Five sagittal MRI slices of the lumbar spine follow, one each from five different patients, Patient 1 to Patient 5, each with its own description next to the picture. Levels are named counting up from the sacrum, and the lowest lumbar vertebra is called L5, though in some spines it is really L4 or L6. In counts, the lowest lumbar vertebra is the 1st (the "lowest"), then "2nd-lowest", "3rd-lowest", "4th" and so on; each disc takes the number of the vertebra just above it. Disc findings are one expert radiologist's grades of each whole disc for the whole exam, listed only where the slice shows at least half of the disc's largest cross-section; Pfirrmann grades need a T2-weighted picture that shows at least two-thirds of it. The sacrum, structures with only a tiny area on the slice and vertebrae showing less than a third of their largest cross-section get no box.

Patient 1 of 5:
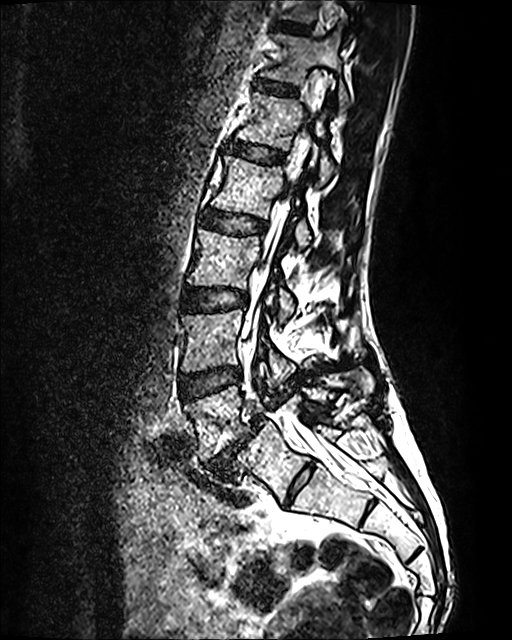 T2 SPACE (3D) sagittal MRI of the lumbar spine; Slice 72/120
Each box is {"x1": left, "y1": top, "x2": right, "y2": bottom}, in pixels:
* L4: {"x1": 181, "y1": 309, "x2": 294, "y2": 385}
* T12 vertebra: {"x1": 263, "y1": 32, "x2": 349, "y2": 111}
* L3 vertebra: {"x1": 189, "y1": 230, "x2": 294, "y2": 324}
* IVD L4/L5: {"x1": 180, "y1": 367, "x2": 240, "y2": 399}
* IVD L3/L4: {"x1": 183, "y1": 288, "x2": 246, "y2": 311}
* IVD L5/S1: {"x1": 204, "y1": 416, "x2": 264, "y2": 473}
* L2: {"x1": 212, "y1": 156, "x2": 311, "y2": 252}
* L1/L2: {"x1": 230, "y1": 143, "x2": 282, "y2": 163}
* IVD T12/L1: {"x1": 257, "y1": 80, "x2": 295, "y2": 94}
* L5: {"x1": 185, "y1": 369, "x2": 372, "y2": 460}
* IVD L2/L3: {"x1": 202, "y1": 209, "x2": 264, "y2": 233}
* IVD T11/T12: {"x1": 277, "y1": 22, "x2": 309, "y2": 33}
* thecal sac / spinal canal: {"x1": 244, "y1": 144, "x2": 339, "y2": 464}
* L1 vertebra: {"x1": 238, "y1": 93, "x2": 333, "y2": 186}

Per-level radiological findings:
  L2/L3: Pfirrmann grade 2
  L1/L2: Pfirrmann grade 2
  L5/S1: Pfirrmann grade 5, Modic type II, disc bulging, disc narrowing, spondylolisthesis
  L4/L5: Pfirrmann grade 2
  L3/L4: Pfirrmann grade 2
  T12/L1: no spondylolisthesis, narrowing, bulging, herniation, Modic or endplate change recorded

Patient 2 of 5:
MRI lumbar spine (T2-weighted), sagittal plane

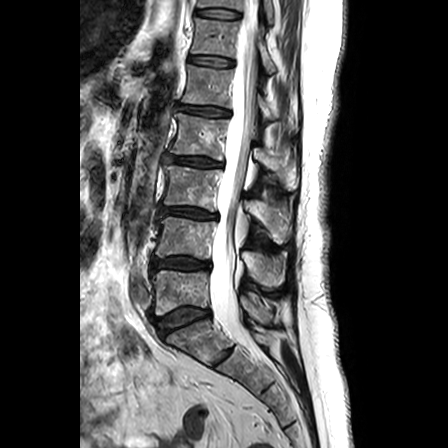
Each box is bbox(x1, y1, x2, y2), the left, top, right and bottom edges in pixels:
L3 (3rd-lowest vertebra): bbox(163, 165, 289, 243) | IVD L5/S1 (lowest disc): bbox(156, 307, 209, 335) | L2 (4th vertebra): bbox(170, 112, 297, 189) | L1 (5th vertebra): bbox(182, 65, 273, 119) | L5 (lowest vertebra): bbox(152, 270, 271, 323) | IVD T12/L1 (6th disc): bbox(189, 56, 233, 66) | L2/L3 (4th disc): bbox(165, 155, 222, 166) | L4 (2nd-lowest vertebra): bbox(155, 216, 285, 287) | IVD L4/L5 (2nd-lowest disc): bbox(151, 257, 209, 271) | T12 (6th vertebra): bbox(192, 18, 275, 73) | T11 (7th vertebra): bbox(198, 0, 273, 23) | thecal sac / spinal canal: bbox(210, 0, 259, 355) | IVD L1/L2 (5th disc): bbox(178, 105, 229, 116) | L3/L4 (3rd-lowest disc): bbox(160, 206, 216, 218) | IVD T11/T12 (7th disc): bbox(197, 9, 239, 18)

Per-level radiological findings:
• L5/S1 (lowest disc): Pfirrmann grade 2, upper-endplate change, Modic type II, lower-endplate change
• L2/L3 (4th disc): Pfirrmann grade 3, disc narrowing, upper-endplate change, Modic type II, disc bulging, lower-endplate change
• T12/L1 (6th disc): Pfirrmann grade 1
• L3/L4 (3rd-lowest disc): Pfirrmann grade 3, Modic type II, disc narrowing, disc bulging, upper-endplate change, lower-endplate change
• L1/L2 (5th disc): Pfirrmann grade 3, disc narrowing, disc bulging
• L4/L5 (2nd-lowest disc): Pfirrmann grade 3, upper-endplate change, disc bulging, lower-endplate change, Modic type II
• T11/T12 (7th disc): Pfirrmann grade 1

Patient 3 of 5:
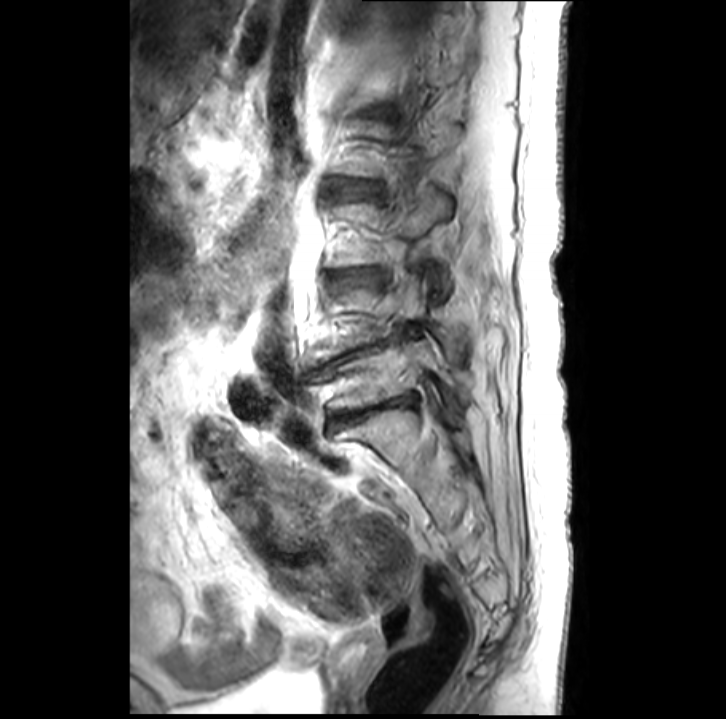
T2-weighted sagittal MRI of the lumbar spine

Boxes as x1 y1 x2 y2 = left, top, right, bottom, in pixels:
L4 (2nd-lowest vertebra) at 309 276 464 360, L5 (lowest vertebra) at 324 338 468 409, L5/S1 (lowest disc) at 333 393 415 419, L3/L4 (3rd-lowest disc) at 338 270 376 279, disc L4/L5 (2nd-lowest disc) at 323 336 393 367.

Expert MSK radiologist gradings (per disc):
• L5/S1 (lowest disc): Pfirrmann grade 5, disc narrowing, Modic type II

Patient 4 of 5:
Image 512x640; MRI lumbar spine (T2 SPACE (3D)), sagittal plane; Slice 39/120
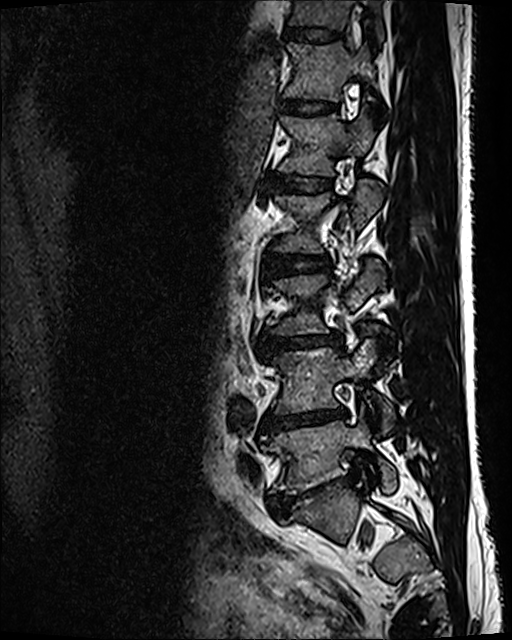
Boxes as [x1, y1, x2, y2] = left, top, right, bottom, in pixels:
Segmented structures:
- L1 (5th vertebra): [278, 107, 375, 176]
- L4 (2nd-lowest vertebra): [271, 340, 392, 429]
- intervertebral disc L2/L3 (4th disc): [269, 255, 326, 277]
- T11 (7th vertebra): [288, 0, 385, 43]
- L1/L2 (5th disc): [267, 175, 331, 193]
- intervertebral disc L3/L4 (3rd-lowest disc): [261, 335, 329, 351]
- intervertebral disc T11/T12 (7th disc): [282, 28, 344, 42]
- L2 (4th vertebra): [274, 180, 384, 253]
- T12/L1 (6th disc): [280, 99, 335, 115]
- intervertebral disc L5/S1 (lowest disc): [270, 478, 337, 514]
- L4/L5 (2nd-lowest disc): [265, 407, 346, 430]
- T12 (6th vertebra): [284, 42, 374, 101]
- L5 (lowest vertebra): [266, 407, 396, 494]

Radiological gradings:
• L3/L4 (3rd-lowest disc): disc bulging, disc narrowing
• T11/T12 (7th disc): Pfirrmann grade 2
• L2/L3 (4th disc): Pfirrmann grade 2
• L1/L2 (5th disc): Pfirrmann grade 2
• L4/L5 (2nd-lowest disc): Pfirrmann grade 5, lower-endplate change, disc bulging, Modic type II, disc narrowing
• T12/L1 (6th disc): Pfirrmann grade 2

Patient 5 of 5:
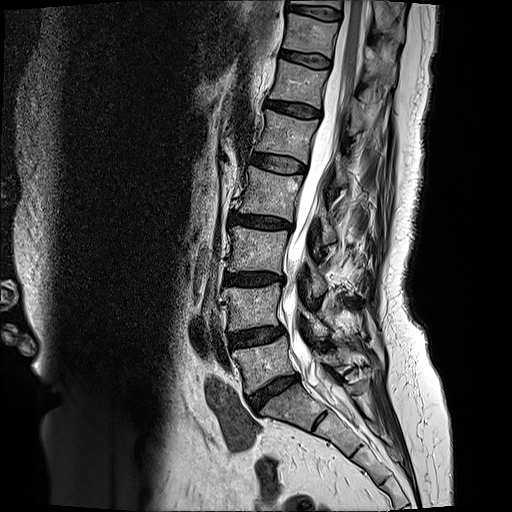

Image 512x512. Lumbar spine MR, T2-weighted, sagittal.
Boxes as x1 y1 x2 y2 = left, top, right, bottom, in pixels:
5th vertebra at 258 110 348 185.
3rd-lowest disc at 223 272 283 282.
2nd-lowest vertebra at 223 282 327 337.
4th vertebra at 237 166 337 244.
3rd-lowest vertebra at 230 226 326 297.
5th disc at 251 153 306 172.
6th vertebra at 271 58 366 133.
8th vertebra at 293 0 405 39.
7th disc at 282 50 330 66.
Spinal canal at 282 1 366 417.
6th disc at 267 99 321 117.
Lowest disc at 249 375 297 409.
Lowest vertebra at 234 337 339 393.
2nd-lowest disc at 231 326 282 345.
4th disc at 230 212 292 228.
7th vertebra at 285 13 396 83.
8th disc at 286 4 342 19.

Per-level radiological findings:
• 8th disc: Pfirrmann grade 2
• 2nd-lowest disc: Pfirrmann grade 3, disc bulging
• 4th disc: Pfirrmann grade 4, lower-endplate change, upper-endplate change, disc narrowing, disc bulging, Modic type II
• lowest disc: Pfirrmann grade 4, disc narrowing, disc bulging
• 7th disc: Pfirrmann grade 2
• 6th disc: Pfirrmann grade 3, disc bulging
• 3rd-lowest disc: Pfirrmann grade 4, upper-endplate change, lower-endplate change, disc narrowing, disc bulging, Modic type II
• 5th disc: Pfirrmann grade 2